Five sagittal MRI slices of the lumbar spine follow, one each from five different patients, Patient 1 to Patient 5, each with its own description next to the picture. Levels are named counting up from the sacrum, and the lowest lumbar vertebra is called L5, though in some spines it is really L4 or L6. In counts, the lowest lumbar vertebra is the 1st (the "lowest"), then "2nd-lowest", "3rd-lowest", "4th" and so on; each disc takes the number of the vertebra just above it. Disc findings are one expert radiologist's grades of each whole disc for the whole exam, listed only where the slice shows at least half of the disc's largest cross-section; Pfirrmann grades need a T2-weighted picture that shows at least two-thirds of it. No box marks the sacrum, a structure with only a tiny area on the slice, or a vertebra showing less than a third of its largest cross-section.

Patient 1 of 5:
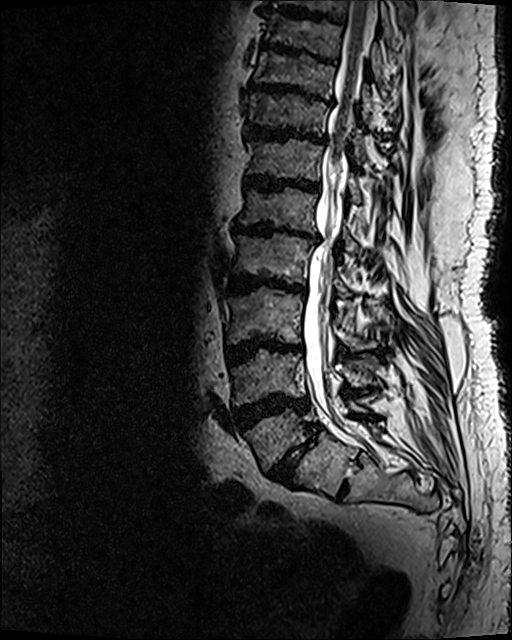 T2 SPACE (3D) sagittal MRI of the lumbar spine, Patient sex: M, Slice 60/120
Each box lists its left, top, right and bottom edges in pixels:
T10 vertebra at left=255, top=50, right=372, bottom=119; T11 at left=249, top=91, right=364, bottom=164; IVD L5/S1 at left=269, top=425, right=320, bottom=483; L1 at left=238, top=187, right=358, bottom=254; IVD T10/T11 at left=249, top=79, right=328, bottom=103; T9/T10 at left=259, top=44, right=336, bottom=65; L4 at left=231, top=350, right=371, bottom=405; L5 at left=244, top=399, right=368, bottom=470; IVD L4/L5 at left=232, top=392, right=310, bottom=431; IVD L3/L4 at left=225, top=338, right=301, bottom=364; IVD T12/L1 at left=244, top=175, right=321, bottom=193; L2 vertebra at left=232, top=231, right=351, bottom=298; L3 vertebra at left=222, top=287, right=377, bottom=349; thecal sac / spinal canal at left=303, top=1, right=377, bottom=421; IVD T11/T12 at left=243, top=122, right=327, bottom=144; IVD L1/L2 at left=230, top=220, right=318, bottom=239; L2/L3 at left=229, top=274, right=306, bottom=294; T12 at left=246, top=138, right=361, bottom=203.

Expert MSK radiologist gradings (per disc):
  T10/T11: upper-endplate change, disc bulging, lower-endplate change, disc narrowing, Modic type II
  T11/T12: Pfirrmann grade 5, Modic type II, disc bulging, upper-endplate change, disc narrowing, lower-endplate change
  L4/L5: Pfirrmann grade 5, Modic type II, disc narrowing, disc bulging, lower-endplate change, upper-endplate change
  L1/L2: lower-endplate change, disc narrowing, Modic type II, disc bulging, upper-endplate change
  L5/S1: Pfirrmann grade 5, lower-endplate change, Modic type II, disc narrowing, disc bulging, upper-endplate change, spondylolisthesis
  T12/L1: Pfirrmann grade 5, disc narrowing, upper-endplate change, disc bulging, Modic type II, lower-endplate change
  L2/L3: disc narrowing, lower-endplate change, disc bulging, upper-endplate change, Modic type II
  L3/L4: Pfirrmann grade 5, disc narrowing, Modic type II, disc bulging, upper-endplate change, lower-endplate change
  T9/T10: disc narrowing, upper-endplate change, lower-endplate change, Modic type II, disc bulging

Patient 2 of 5:
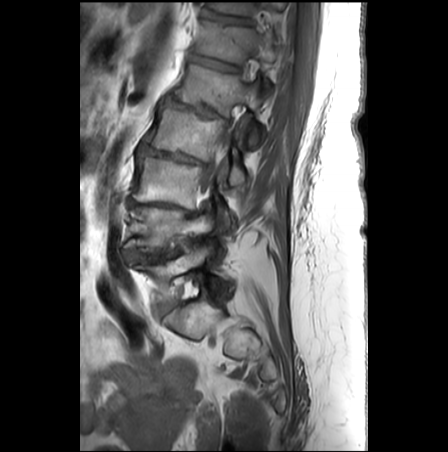

Field of view 280x283 mm, slice spacing 3.3 mm | Sagittal slice index 8 | T1-weighted sagittal MRI of the lumbar spine

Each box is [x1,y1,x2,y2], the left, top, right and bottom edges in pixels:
Spinal canal = [202,124,233,190].
3rd-lowest disc = [136,204,188,213].
2nd-lowest disc = [129,250,178,262].
2nd-lowest vertebra = [127,207,213,252].
4th disc = [139,145,199,162].
6th disc = [190,55,240,72].
4th vertebra = [146,106,244,185].
5th vertebra = [173,64,261,142].
6th vertebra = [194,19,278,63].
Lowest disc = [159,301,176,314].
Lowest vertebra = [136,246,226,302].
3rd-lowest vertebra = [133,157,229,224].
5th disc = [165,97,216,117].
7th disc = [203,10,249,23].
7th vertebra = [211,2,285,15].

Per-level radiological findings:
  4th disc: disc bulging, lower-endplate change, upper-endplate change, disc narrowing, Modic type II
  6th disc: Modic type II, upper-endplate change, lower-endplate change
  7th disc: upper-endplate change, lower-endplate change
  2nd-lowest disc: disc narrowing, upper-endplate change, lower-endplate change, disc bulging, Modic type II
  5th disc: disc bulging, disc narrowing, Modic type II, upper-endplate change, spondylolisthesis, lower-endplate change

Patient 3 of 5:
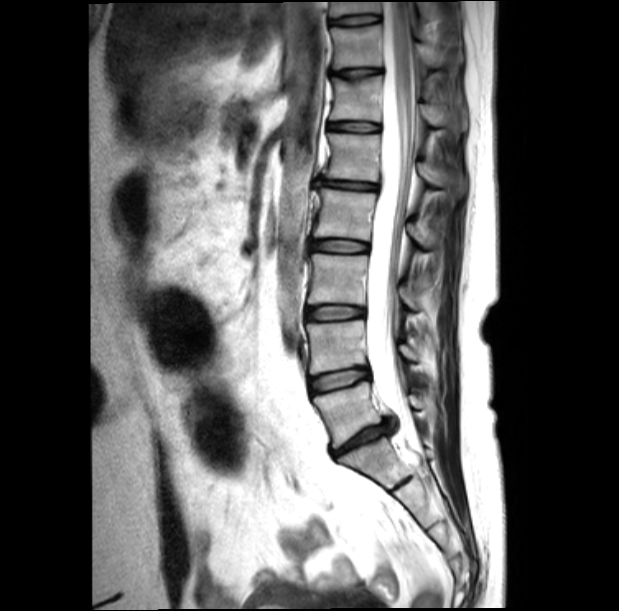

Sex F | Sagittal slice index 11 | Image 619x611 | T2-weighted sagittal MRI of the lumbar spine
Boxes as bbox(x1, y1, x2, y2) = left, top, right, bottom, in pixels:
Structures:
* disc L4/L5 = bbox(310, 369, 368, 393)
* spinal canal = bbox(365, 1, 422, 456)
* L3 = bbox(308, 254, 417, 309)
* disc T10/T11 = bbox(331, 14, 379, 25)
* disc L5/S1 = bbox(334, 423, 394, 456)
* T11/T12 = bbox(333, 68, 379, 79)
* L4 = bbox(306, 320, 419, 374)
* disc L3/L4 = bbox(306, 305, 363, 320)
* T10 vertebra = bbox(329, 2, 381, 16)
* disc L1/L2 = bbox(318, 179, 376, 189)
* L5 vertebra = bbox(314, 382, 425, 447)
* T12 = bbox(331, 76, 453, 126)
* T11 vertebra = bbox(331, 24, 437, 69)
* disc L2/L3 = bbox(311, 240, 368, 252)
* L1 vertebra = bbox(323, 133, 453, 187)
* L2 vertebra = bbox(313, 188, 432, 248)
* T12/L1 = bbox(329, 122, 379, 131)

Radiological gradings:
- L1/L2: Pfirrmann grade 1, disc bulging, disc narrowing
- L4/L5: Pfirrmann grade 2, disc bulging
- L2/L3: Pfirrmann grade 2
- T12/L1: Pfirrmann grade 2
- T11/T12: Pfirrmann grade 2, upper-endplate change
- T10/T11: Pfirrmann grade 2
- L3/L4: Pfirrmann grade 2
- L5/S1: Pfirrmann grade 5, disc narrowing, disc herniation

Patient 4 of 5:
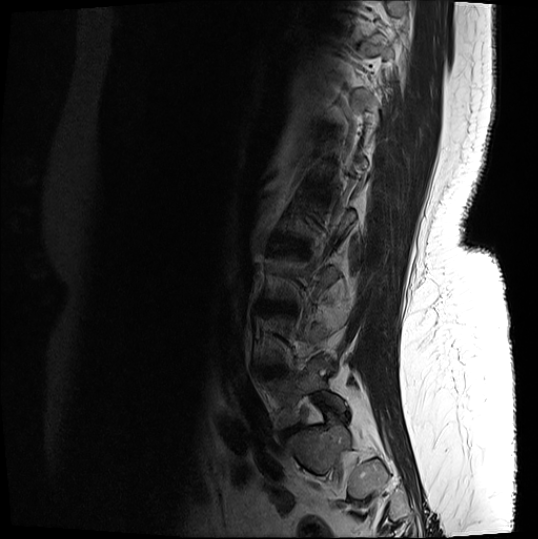
Sagittal slice index 1 | Sagittal T2-weighted lumbar spine MRI
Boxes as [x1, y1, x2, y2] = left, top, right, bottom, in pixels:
Lowest vertebra at [266, 358, 345, 427].
Lowest disc at [283, 425, 300, 437].
2nd-lowest disc at [265, 368, 282, 376].

Patient 5 of 5:
MRI lumbar spine (T2-weighted), sagittal plane 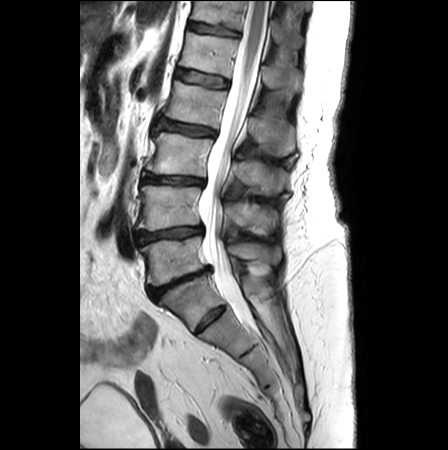

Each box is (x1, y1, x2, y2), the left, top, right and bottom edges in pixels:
Thecal sac / spinal canal: (201, 1, 268, 320).
L1 vertebra: (179, 32, 302, 98).
L2 vertebra: (165, 81, 295, 156).
L5 vertebra: (140, 236, 280, 285).
Intervertebral disc L5/S1: (149, 267, 210, 300).
L4: (138, 186, 277, 233).
Intervertebral disc T12/L1: (188, 22, 238, 36).
L2/L3: (156, 118, 215, 136).
T12 vertebra: (192, 1, 301, 47).
L1/L2: (176, 69, 228, 87).
L3 vertebra: (146, 133, 289, 194).
L4/L5: (136, 226, 202, 243).
Intervertebral disc L3/L4: (143, 174, 203, 185).

Degenerative findings by level:
- L3/L4: Pfirrmann grade 3, disc narrowing, upper-endplate change, lower-endplate change, disc bulging, Modic type II
- L4/L5: Pfirrmann grade 3, Modic type II, upper-endplate change, lower-endplate change, disc bulging, disc narrowing
- L1/L2: Pfirrmann grade 1
- L5/S1: Pfirrmann grade 5, Modic type II, upper-endplate change, lower-endplate change, disc narrowing, disc bulging
- L2/L3: Pfirrmann grade 2, upper-endplate change, disc bulging, Modic type II, disc narrowing, lower-endplate change
- T12/L1: Pfirrmann grade 2, lower-endplate change